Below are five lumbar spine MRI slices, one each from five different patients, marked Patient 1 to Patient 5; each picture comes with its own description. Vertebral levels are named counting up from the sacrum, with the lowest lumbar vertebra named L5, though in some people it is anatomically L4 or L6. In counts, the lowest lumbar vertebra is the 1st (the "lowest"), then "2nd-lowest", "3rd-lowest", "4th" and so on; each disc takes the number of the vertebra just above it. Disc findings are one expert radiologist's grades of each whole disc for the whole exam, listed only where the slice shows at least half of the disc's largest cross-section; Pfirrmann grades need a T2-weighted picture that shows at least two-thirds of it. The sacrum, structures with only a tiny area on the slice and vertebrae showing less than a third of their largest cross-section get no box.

Patient 1 of 5:
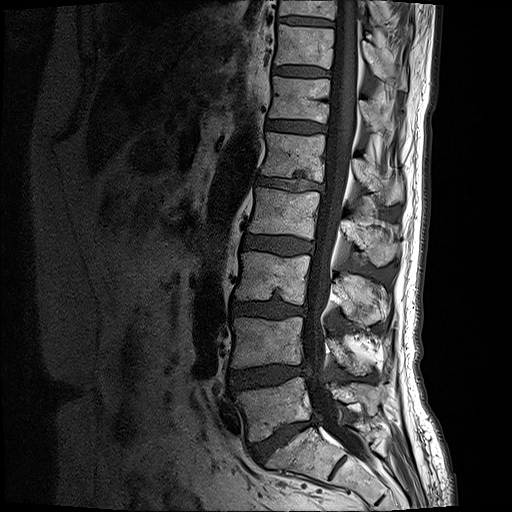 Sagittal T1-weighted lumbar spine MRI; 512x512 px
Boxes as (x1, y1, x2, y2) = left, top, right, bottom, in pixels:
L2 (4th vertebra): (248, 187, 400, 266).
T12/L1 (6th disc): (266, 121, 324, 133).
L3 (3rd-lowest vertebra): (236, 251, 387, 323).
L1 (5th vertebra): (261, 131, 404, 204).
T11/T12 (7th disc): (273, 67, 329, 75).
T12 (6th vertebra): (269, 76, 402, 132).
L5 (lowest vertebra): (236, 377, 382, 442).
IVD L2/L3 (4th disc): (241, 233, 312, 255).
T11 (7th vertebra): (275, 25, 407, 89).
L1/L2 (5th disc): (256, 176, 323, 189).
IVD L4/L5 (2nd-lowest disc): (228, 363, 309, 391).
L3/L4 (3rd-lowest disc): (230, 300, 306, 318).
L4 (2nd-lowest vertebra): (231, 316, 372, 375).
L5/S1 (lowest disc): (250, 416, 320, 463).
IVD T10/T11 (8th disc): (277, 15, 333, 27).
Thecal sac / spinal canal: (304, 1, 368, 458).
T10 (8th vertebra): (279, 0, 386, 25).

Expert MSK radiologist gradings (per disc):
  L5/S1 (lowest disc): disc narrowing, Modic type II, disc bulging, lower-endplate change
  L1/L2 (5th disc): disc narrowing, Modic type II, lower-endplate change, disc bulging, upper-endplate change
  L2/L3 (4th disc): disc bulging
  L3/L4 (3rd-lowest disc): disc bulging, Modic type II, lower-endplate change, disc narrowing
  L4/L5 (2nd-lowest disc): disc herniation, disc bulging
  T12/L1 (6th disc), T11/T12 (7th disc): no spondylolisthesis, narrowing, bulging, herniation, Modic or endplate change recorded

Patient 2 of 5:
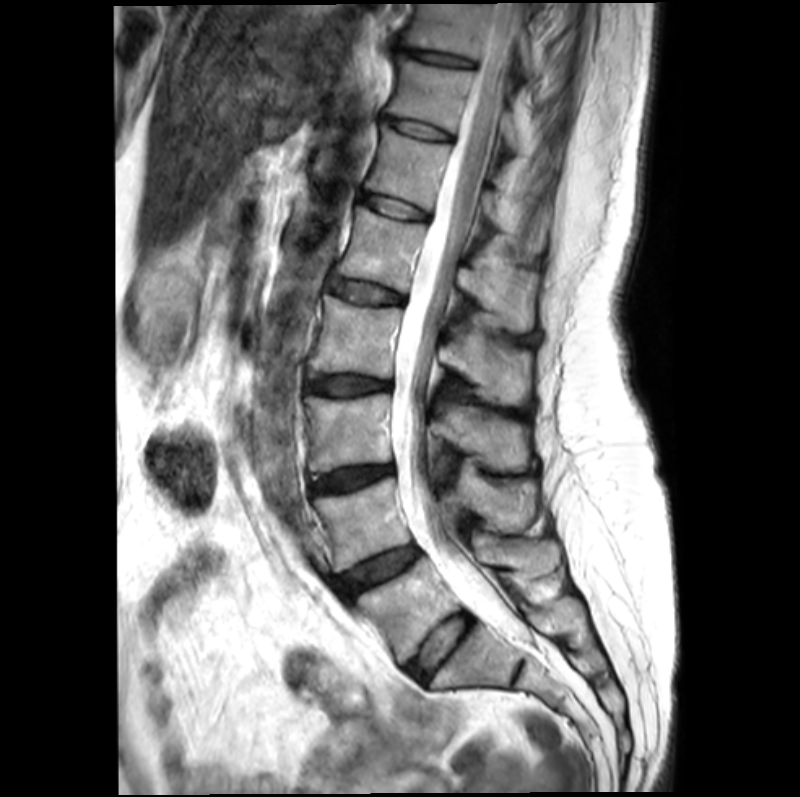 Image 800x797. Sagittal slice index 10. Sagittal T2-weighted lumbar spine MRI.

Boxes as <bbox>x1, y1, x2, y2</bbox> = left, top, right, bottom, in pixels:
7th disc — <bbox>380, 116, 449, 140</bbox>.
3rd-lowest vertebra — <bbox>301, 393, 529, 471</bbox>.
8th vertebra — <bbox>403, 4, 529, 77</bbox>.
6th vertebra — <bbox>366, 124, 543, 250</bbox>.
4th disc — <bbox>302, 371, 389, 395</bbox>.
Spinal canal — <bbox>393, 5, 535, 646</bbox>.
6th disc — <bbox>361, 193, 428, 219</bbox>.
Lowest vertebra — <bbox>356, 534, 561, 665</bbox>.
2nd-lowest vertebra — <bbox>312, 476, 534, 572</bbox>.
Lowest disc — <bbox>406, 614, 470, 682</bbox>.
3rd-lowest disc — <bbox>309, 464, 392, 493</bbox>.
8th disc — <bbox>397, 48, 472, 65</bbox>.
2nd-lowest disc — <bbox>336, 545, 420, 598</bbox>.
4th vertebra — <bbox>306, 295, 529, 403</bbox>.
7th vertebra — <bbox>385, 62, 519, 153</bbox>.
5th vertebra — <bbox>333, 206, 530, 332</bbox>.
5th disc — <bbox>330, 277, 404, 302</bbox>.

Radiological gradings:
  6th disc: Pfirrmann grade 2, Modic type II
  7th disc: Pfirrmann grade 2
  8th disc: Pfirrmann grade 3
  2nd-lowest disc: Pfirrmann grade 3, Modic type II
  3rd-lowest disc: Pfirrmann grade 3, Modic type II, disc narrowing, lower-endplate change, upper-endplate change, disc bulging
  lowest disc: Pfirrmann grade 2, Modic type II
  4th disc: Pfirrmann grade 3, Modic type II, disc bulging, upper-endplate change, lower-endplate change
  5th disc: Pfirrmann grade 2, upper-endplate change, lower-endplate change, Modic type II

Patient 3 of 5:
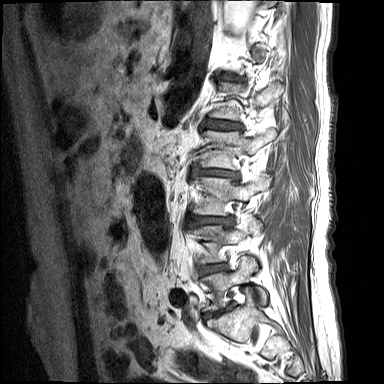 Sex M; 384x384 px; Slice 13 of 15; Sagittal T1-weighted lumbar spine MRI
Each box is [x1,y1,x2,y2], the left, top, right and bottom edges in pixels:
L2 (4th vertebra) at [197,129,276,169].
L4/L5 (2nd-lowest disc) at [196,263,228,274].
IVD L3/L4 (3rd-lowest disc) at [186,215,234,226].
L5 (lowest vertebra) at [201,256,267,311].
T12/L1 (6th disc) at [220,73,243,81].
L2/L3 (4th disc) at [192,169,239,178].
L3 (3rd-lowest vertebra) at [193,174,271,215].
L5/S1 (lowest disc) at [205,307,229,317].
L4 (2nd-lowest vertebra) at [188,217,262,264].
L1/L2 (5th disc) at [203,120,241,129].

Per-level radiological findings:
- L2/L3 (4th disc): lower-endplate change, Modic type II, disc herniation, disc narrowing
- L3/L4 (3rd-lowest disc): disc herniation, upper-endplate change, Modic type II, lower-endplate change, disc narrowing
- L1/L2 (5th disc): lower-endplate change, Modic type II, disc narrowing, disc bulging

Patient 4 of 5:
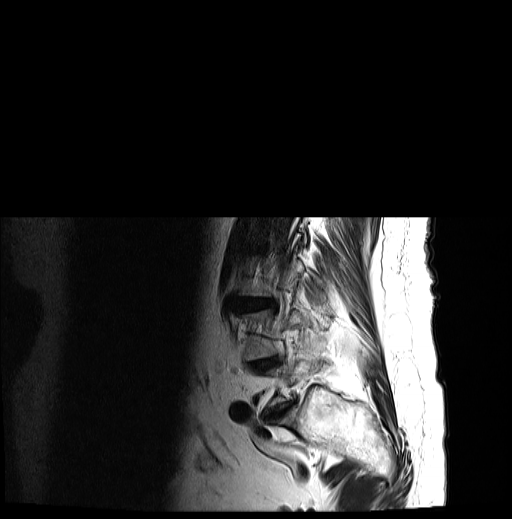

Lumbar spine MR, T2-weighted, sagittal; Image 512x519
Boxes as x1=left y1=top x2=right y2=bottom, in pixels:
Segmented structures:
- 2nd-lowest disc — x1=248 y1=357 x2=280 y2=371
- 2nd-lowest vertebra — x1=243 y1=309 x2=305 y2=361
- lowest disc — x1=264 y1=404 x2=292 y2=422
- 3rd-lowest disc — x1=237 y1=299 x2=274 y2=310

Radiological gradings:
- 2nd-lowest disc: disc narrowing, Modic type II, upper-endplate change, disc bulging, lower-endplate change
- 3rd-lowest disc: Pfirrmann grade 4, lower-endplate change, Modic type II, upper-endplate change, disc bulging, disc narrowing

Patient 5 of 5:
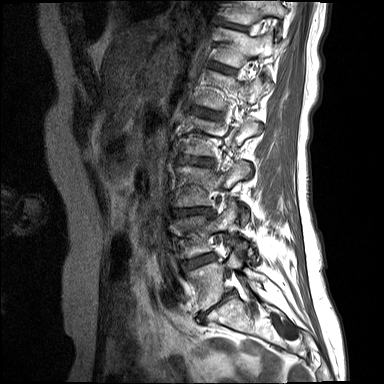

Lumbar spine MR, T1-weighted, sagittal

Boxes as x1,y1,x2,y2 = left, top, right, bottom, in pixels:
IVD L3/L4 (3rd-lowest disc) at 176,208,209,215; T12/L1 (6th disc) at 215,64,235,73; IVD L1/L2 (5th disc) at 193,108,219,117; IVD L5/S1 (lowest disc) at 201,291,234,316; T12 (6th vertebra) at 218,30,276,67; L3 (3rd-lowest vertebra) at 178,162,250,224; IVD T11/T12 (7th disc) at 226,23,244,29; L5 (lowest vertebra) at 188,251,266,311; T11 (7th vertebra) at 227,0,285,24; L4 (2nd-lowest vertebra) at 177,202,237,256; L4/L5 (2nd-lowest disc) at 182,255,214,270; IVD L2/L3 (4th disc) at 180,156,212,165.

Degenerative findings by level:
• L5/S1 (lowest disc): Modic type II, disc narrowing, lower-endplate change, disc bulging, upper-endplate change